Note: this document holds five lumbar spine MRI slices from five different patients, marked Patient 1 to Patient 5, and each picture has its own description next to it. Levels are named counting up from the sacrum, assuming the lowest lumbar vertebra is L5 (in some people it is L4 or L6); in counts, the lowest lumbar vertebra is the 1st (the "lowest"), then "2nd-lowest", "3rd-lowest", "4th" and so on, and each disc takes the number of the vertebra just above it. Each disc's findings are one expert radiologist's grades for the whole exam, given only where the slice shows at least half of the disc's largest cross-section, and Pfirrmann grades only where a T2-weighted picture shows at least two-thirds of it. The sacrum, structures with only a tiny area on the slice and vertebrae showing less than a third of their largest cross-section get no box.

Patient 1 of 5:
Slice 19/24 | MRI lumbar spine (T1-weighted), sagittal plane 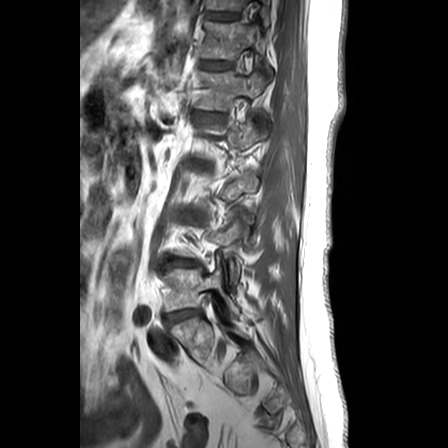

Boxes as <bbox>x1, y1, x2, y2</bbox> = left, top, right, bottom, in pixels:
L4/L5 at <bbox>168, 259, 199, 266</bbox>, T12/L1 at <bbox>202, 60, 232, 69</bbox>, L1 vertebra at <bbox>195, 71, 265, 110</bbox>, L1/L2 at <bbox>194, 112, 222, 121</bbox>, T11 at <bbox>207, 0, 269, 24</bbox>, T12 at <bbox>200, 21, 272, 73</bbox>, IVD T11/T12 at <bbox>208, 12, 238, 20</bbox>, L5/S1 at <bbox>164, 310, 197, 325</bbox>, L5 at <bbox>165, 258, 239, 314</bbox>.

Expert MSK radiologist gradings (per disc):
- L1/L2: disc narrowing, disc bulging
- T12/L1, T11/T12: no herniation, bulging, narrowing, spondylolisthesis, endplate or Modic change recorded

Patient 2 of 5:
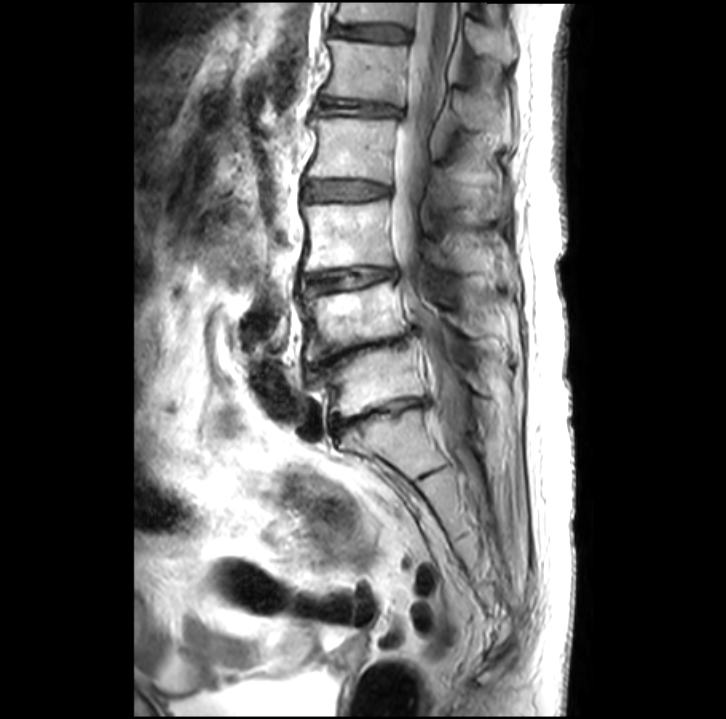 Sagittal slice index 17; Lumbar spine MR, T2-weighted, sagittal
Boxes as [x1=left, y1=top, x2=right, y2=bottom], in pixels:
L2 — [x1=309, y1=115, x2=506, y2=217].
Disc L5/S1 — [x1=332, y1=397, x2=426, y2=432].
L3 vertebra — [x1=303, y1=199, x2=507, y2=281].
Thecal sac / spinal canal — [x1=390, y1=1, x2=464, y2=447].
L1/L2 — [x1=319, y1=100, x2=398, y2=113].
Disc T12/L1 — [x1=333, y1=23, x2=409, y2=39].
L3/L4 — [x1=307, y1=266, x2=395, y2=290].
T12 — [x1=335, y1=1, x2=516, y2=62].
Disc L2/L3 — [x1=306, y1=180, x2=387, y2=198].
L5 — [x1=309, y1=337, x2=488, y2=417].
L4 vertebra — [x1=303, y1=280, x2=482, y2=360].
Disc L4/L5 — [x1=306, y1=327, x2=416, y2=371].
L1 — [x1=322, y1=37, x2=513, y2=143].

Degenerative findings by level:
- L3/L4: Pfirrmann grade 3, disc narrowing, Modic type II
- L4/L5: Pfirrmann grade 5, disc narrowing
- L1/L2: Pfirrmann grade 4, disc bulging, disc narrowing
- L2/L3: Pfirrmann grade 2
- T12/L1: Pfirrmann grade 2, disc bulging
- L5/S1: Pfirrmann grade 5, disc narrowing, Modic type II

Patient 3 of 5:
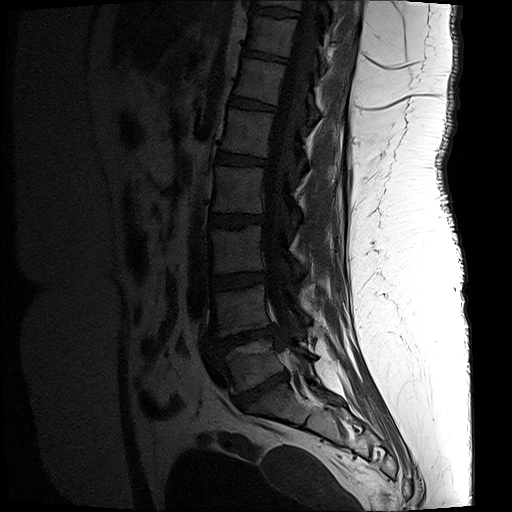

T1-weighted sagittal MRI of the lumbar spine. Sagittal slice index 10. Image 512x512.
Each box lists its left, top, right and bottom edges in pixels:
{"thecal sac / spinal canal": "left=262, top=0, right=319, bottom=365", "disc T11/T12": "left=244, top=48, right=285, bottom=62", "T11": "left=247, top=14, right=327, bottom=71", "T10 vertebra": "left=255, top=0, right=333, bottom=10", "L1 vertebra": "left=221, top=107, right=307, bottom=170", "disc L1/L2": "left=217, top=151, right=266, bottom=165", "L3": "left=210, top=225, right=304, bottom=276", "L4/L5": "left=215, top=326, right=277, bottom=352", "L5/S1": "left=235, top=372, right=288, bottom=409", "disc L2/L3": "left=211, top=213, right=262, bottom=227", "disc L3/L4": "left=212, top=272, right=265, bottom=289", "L2": "left=212, top=166, right=302, bottom=226", "T12/L1": "left=231, top=97, right=273, bottom=110", "L5": "left=217, top=337, right=314, bottom=392", "T12 vertebra": "left=234, top=58, right=320, bottom=123", "L4": "left=212, top=285, right=310, bottom=337", "T10/T11": "left=252, top=5, right=297, bottom=16"}

Radiological gradings:
  L4/L5: disc herniation, upper-endplate change, disc narrowing, lower-endplate change, Modic type II
  L1/L2: lower-endplate change
  L5/S1: disc herniation, disc narrowing, upper-endplate change, Modic type II, lower-endplate change
  L2/L3: upper-endplate change, lower-endplate change
  T11/T12: lower-endplate change
  L3/L4, T12/L1: no spondylolisthesis, narrowing, bulging, herniation, Modic or endplate change recorded

Patient 4 of 5:
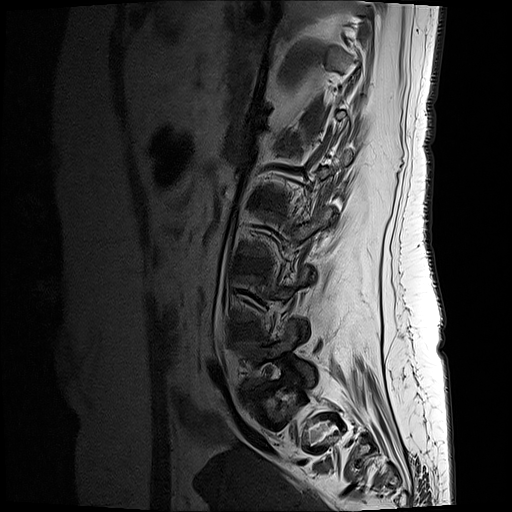 Image 512x512 | T1-weighted sagittal MRI of the lumbar spine | Patient sex: F
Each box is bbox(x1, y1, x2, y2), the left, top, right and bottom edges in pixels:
{"4th disc": "bbox(252, 193, 284, 206)", "3rd-lowest disc": "bbox(235, 258, 269, 272)", "2nd-lowest disc": "bbox(231, 324, 258, 337)", "lowest disc": "bbox(245, 386, 268, 396)"}

Patient 5 of 5:
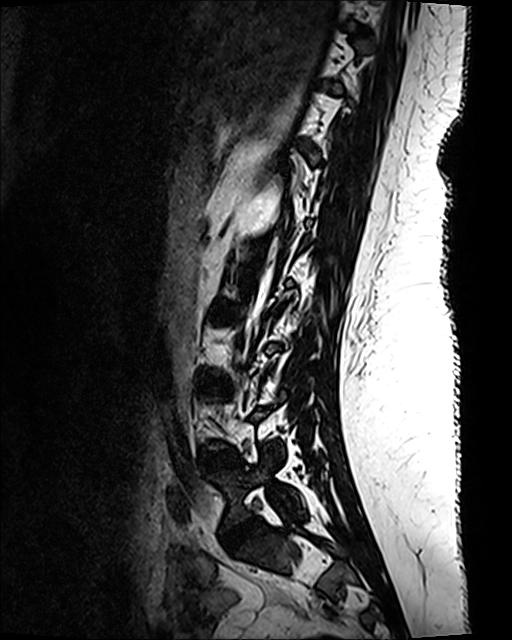 Lumbar spine MR, T2 SPACE (3D), sagittal; Patient sex: F; 512x640 px
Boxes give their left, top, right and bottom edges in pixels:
Annotations:
* L5 (lowest vertebra) — left=210, top=458, right=304, bottom=528
* intervertebral disc L3/L4 (3rd-lowest disc) — left=201, top=379, right=228, bottom=393
* L5/S1 (lowest disc) — left=220, top=516, right=261, bottom=553
* intervertebral disc L4/L5 (2nd-lowest disc) — left=202, top=449, right=240, bottom=470